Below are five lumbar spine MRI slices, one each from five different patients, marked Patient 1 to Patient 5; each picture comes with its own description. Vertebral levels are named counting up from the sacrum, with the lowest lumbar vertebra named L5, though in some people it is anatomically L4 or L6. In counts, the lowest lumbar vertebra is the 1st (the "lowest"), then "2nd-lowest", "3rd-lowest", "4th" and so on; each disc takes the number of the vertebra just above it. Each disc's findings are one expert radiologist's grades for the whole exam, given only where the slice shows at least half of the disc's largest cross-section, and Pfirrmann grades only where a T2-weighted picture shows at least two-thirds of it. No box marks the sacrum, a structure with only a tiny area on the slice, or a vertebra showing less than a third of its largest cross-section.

Patient 1 of 5:
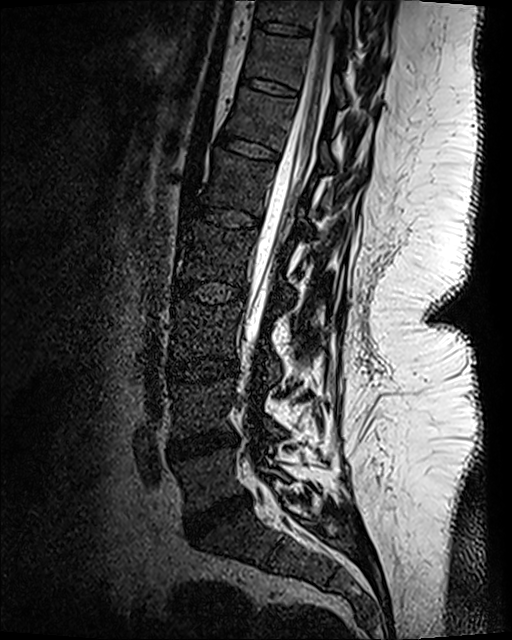
T2 SPACE (3D) sagittal MRI of the lumbar spine | 512x640 px
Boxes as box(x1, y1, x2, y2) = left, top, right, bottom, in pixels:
8th vertebra at box(256, 0, 352, 42); spinal canal at box(245, 0, 341, 385); 5th disc at box(180, 201, 261, 229); 4th disc at box(173, 278, 247, 303); 5th vertebra at box(202, 148, 314, 238); 7th vertebra at box(246, 31, 344, 105); 4th vertebra at box(177, 220, 294, 301); lowest vertebra at box(176, 450, 286, 514); 6th disc at box(215, 130, 279, 161); 8th disc at box(253, 20, 310, 36); 7th disc at box(241, 77, 298, 96); 2nd-lowest vertebra at box(172, 379, 282, 438); 6th vertebra at box(227, 88, 367, 182); 2nd-lowest disc at box(167, 433, 238, 461); lowest disc at box(186, 493, 249, 536); 3rd-lowest vertebra at box(172, 301, 281, 383); 3rd-lowest disc at box(168, 357, 236, 384).

Degenerative findings by level:
- 2nd-lowest disc: Pfirrmann grade 3, disc narrowing, disc bulging
- 3rd-lowest disc: Pfirrmann grade 1
- 5th disc: Pfirrmann grade 1
- lowest disc: Pfirrmann grade 4, disc bulging, disc narrowing
- 6th disc: Pfirrmann grade 1
- 4th disc: Pfirrmann grade 1
- 7th disc: Pfirrmann grade 1
- 8th disc: Pfirrmann grade 1

Patient 2 of 5:
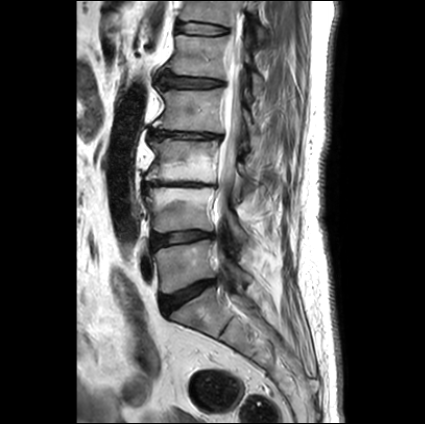 Patient sex: F | T2-weighted sagittal MRI of the lumbar spine | 425x424 px
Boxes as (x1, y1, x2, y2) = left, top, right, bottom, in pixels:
Intervertebral disc T12/L1 at (177, 23, 224, 34).
L3 at (145, 138, 258, 194).
L5 at (153, 240, 253, 293).
Thecal sac / spinal canal at (216, 37, 243, 228).
L5/S1 at (161, 280, 214, 314).
L3/L4 at (143, 182, 215, 189).
L4 vertebra at (144, 187, 247, 239).
L1/L2 at (161, 70, 224, 88).
L1 vertebra at (167, 33, 264, 92).
L2 at (153, 87, 260, 140).
Intervertebral disc L4/L5 at (151, 231, 212, 250).
T12 at (181, 1, 266, 38).
L2/L3 at (150, 130, 220, 138).

Per-level radiological findings:
- L1/L2: Pfirrmann grade 4, upper-endplate change, lower-endplate change, disc bulging
- L5/S1: Pfirrmann grade 1, disc bulging
- L3/L4: lower-endplate change, upper-endplate change, disc bulging, disc narrowing, Modic type II
- L2/L3: Pfirrmann grade 1, disc bulging, disc narrowing, upper-endplate change, lower-endplate change
- L4/L5: Pfirrmann grade 2, disc bulging
- T12/L1: Pfirrmann grade 2

Patient 3 of 5:
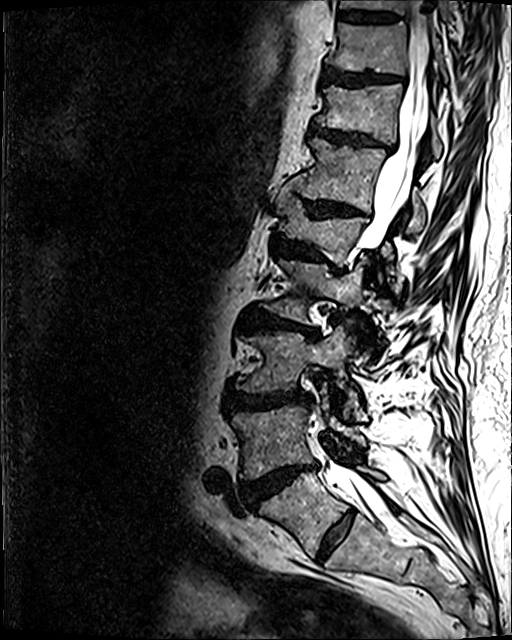 MRI lumbar spine (T2 SPACE (3D)), sagittal plane, Slice 77/120, Field of view 240x300 mm, slice spacing 0.9 mm
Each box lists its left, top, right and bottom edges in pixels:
- L1 (5th vertebra): left=276, top=187, right=393, bottom=274
- L2 (4th vertebra): left=261, top=258, right=366, bottom=324
- IVD T9/T10 (9th disc): left=339, top=11, right=399, bottom=21
- L4/L5 (2nd-lowest disc): left=244, top=463, right=317, bottom=505
- T11/T12 (7th disc): left=311, top=123, right=391, bottom=151
- L3/L4 (3rd-lowest disc): left=230, top=392, right=312, bottom=411
- T9 (9th vertebra): left=340, top=0, right=450, bottom=23
- IVD T10/T11 (8th disc): left=323, top=69, right=403, bottom=86
- IVD T12/L1 (6th disc): left=305, top=201, right=368, bottom=217
- T10 (8th vertebra): left=326, top=22, right=447, bottom=83
- L4 (2nd-lowest vertebra): left=232, top=390, right=365, bottom=479
- T11 (7th vertebra): left=315, top=84, right=441, bottom=158
- L3 (3rd-lowest vertebra): left=237, top=326, right=362, bottom=416
- thecal sac / spinal canal: left=310, top=0, right=429, bottom=514
- L2/L3 (4th disc): left=247, top=312, right=318, bottom=338
- IVD L5/S1 (lowest disc): left=316, top=509, right=354, bottom=561
- T12 (6th vertebra): left=289, top=137, right=425, bottom=234
- IVD L1/L2 (5th disc): left=273, top=235, right=339, bottom=272
- L5 (lowest vertebra): left=258, top=467, right=385, bottom=557

Per-level radiological findings:
- L4/L5 (2nd-lowest disc): Pfirrmann grade 5, Modic type II, disc narrowing, upper-endplate change, disc herniation, disc bulging, lower-endplate change
- T12/L1 (6th disc): disc narrowing, disc bulging, lower-endplate change, upper-endplate change
- L1/L2 (5th disc): disc narrowing, upper-endplate change, lower-endplate change, disc bulging
- L5/S1 (lowest disc): Pfirrmann grade 2
- L3/L4 (3rd-lowest disc): Pfirrmann grade 4, lower-endplate change, disc narrowing, upper-endplate change, disc bulging
- L2/L3 (4th disc): disc bulging, upper-endplate change, Modic type II, disc narrowing, lower-endplate change
- T10/T11 (8th disc): Pfirrmann grade 4, upper-endplate change, disc bulging, lower-endplate change
- T9/T10 (9th disc): Pfirrmann grade 3, lower-endplate change
- T11/T12 (7th disc): Pfirrmann grade 4, disc narrowing, upper-endplate change, lower-endplate change, disc bulging

Patient 4 of 5:
Lumbar spine MR, T2 SPACE (3D), sagittal. Patient sex: F. Slice 50/120.

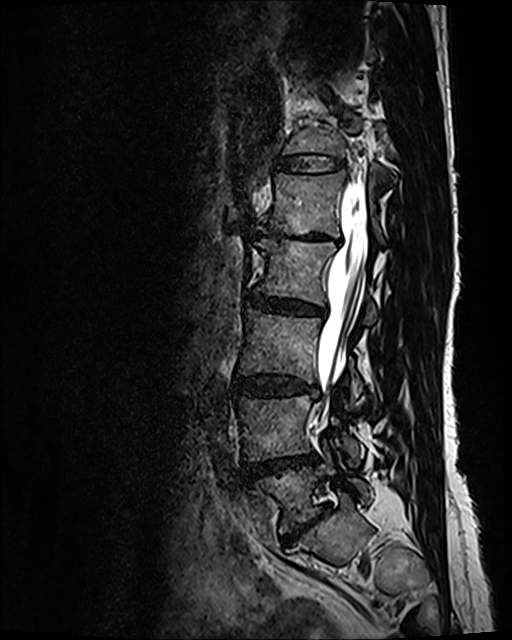 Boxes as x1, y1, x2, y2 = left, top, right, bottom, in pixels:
{"4th vertebra": "255, 240, 376, 324", "6th vertebra": "284, 114, 386, 156", "lowest disc": "283, 506, 326, 542", "2nd-lowest vertebra": "236, 395, 361, 466", "6th disc": "277, 154, 343, 173", "5th vertebra": "258, 170, 384, 244", "5th disc": "257, 230, 338, 243", "3rd-lowest disc": "234, 376, 317, 396", "thecal sac / spinal canal": "316, 182, 368, 420", "3rd-lowest vertebra": "239, 309, 362, 404", "lowest vertebra": "250, 443, 368, 533", "4th disc": "248, 291, 324, 316", "2nd-lowest disc": "243, 455, 316, 478"}

Radiological gradings:
• 4th disc: Pfirrmann grade 3, disc narrowing, disc bulging
• 3rd-lowest disc: Pfirrmann grade 3, disc bulging
• 2nd-lowest disc: Pfirrmann grade 4, disc narrowing, Modic type II, disc bulging
• 6th disc: Pfirrmann grade 2
• 5th disc: Pfirrmann grade 5, disc bulging, disc narrowing, Modic type II, lower-endplate change, upper-endplate change

Patient 5 of 5:
Scanner: SIEMENS Prisma_fit (3T); Image 512x517; T1-weighted sagittal MRI of the lumbar spine 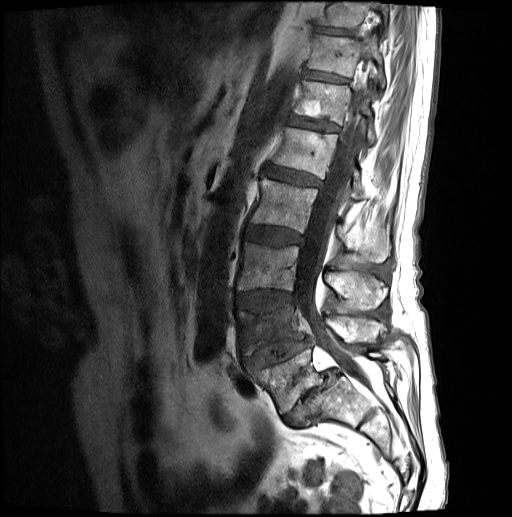

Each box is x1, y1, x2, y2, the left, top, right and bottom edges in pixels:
7th vertebra = 307, 34, 385, 88.
5th disc = 265, 165, 320, 185.
8th disc = 316, 26, 354, 35.
2nd-lowest vertebra = 236, 304, 374, 355.
5th vertebra = 272, 127, 365, 199.
Lowest vertebra = 249, 349, 384, 413.
Spinal canal = 296, 58, 372, 384.
2nd-lowest disc = 242, 339, 311, 368.
3rd-lowest vertebra = 236, 242, 387, 308.
4th disc = 245, 225, 302, 245.
6th disc = 288, 116, 339, 131.
8th vertebra = 318, 1, 388, 29.
Lowest disc = 283, 369, 338, 426.
6th vertebra = 294, 81, 375, 144.
4th vertebra = 250, 179, 391, 262.
7th disc = 304, 70, 348, 82.
3rd-lowest disc = 235, 290, 296, 311.

Per-level radiological findings:
  3rd-lowest disc: disc bulging, lower-endplate change, upper-endplate change
  4th disc: disc bulging
  2nd-lowest disc: lower-endplate change, disc narrowing, disc herniation, spondylolisthesis, upper-endplate change
  lowest disc: spondylolisthesis, disc herniation, Modic type II, disc narrowing
  6th disc, 5th disc, 7th disc, 8th disc: no spondylolisthesis, narrowing, bulging, herniation, Modic or endplate change recorded